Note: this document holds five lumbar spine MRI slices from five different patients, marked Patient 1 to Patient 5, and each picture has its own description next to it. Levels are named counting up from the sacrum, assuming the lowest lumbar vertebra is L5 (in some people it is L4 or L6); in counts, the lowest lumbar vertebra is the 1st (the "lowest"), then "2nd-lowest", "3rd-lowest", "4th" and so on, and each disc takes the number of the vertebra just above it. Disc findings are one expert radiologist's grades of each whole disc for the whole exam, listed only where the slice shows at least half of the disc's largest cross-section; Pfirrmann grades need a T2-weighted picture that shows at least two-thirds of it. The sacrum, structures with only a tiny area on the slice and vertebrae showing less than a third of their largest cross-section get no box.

Patient 1 of 5:
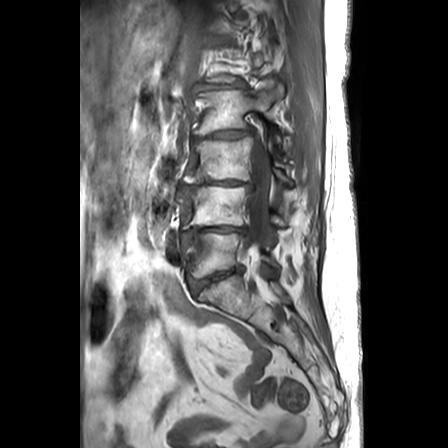

Lumbar spine MR, T1-weighted, sagittal
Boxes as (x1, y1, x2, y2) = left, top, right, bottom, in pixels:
intervertebral disc L4/L5: (183, 226, 247, 242)
spinal canal: (246, 142, 271, 251)
L1/L2: (194, 80, 249, 91)
L5 vertebra: (187, 232, 280, 277)
intervertebral disc L3/L4: (181, 180, 255, 194)
L5/S1: (190, 266, 243, 293)
intervertebral disc L2/L3: (194, 126, 254, 141)
L2 vertebra: (194, 83, 285, 145)
L4 vertebra: (183, 185, 285, 228)
L3 vertebra: (185, 136, 292, 185)

Expert MSK radiologist gradings (per disc):
  L5/S1: disc bulging, lower-endplate change, disc narrowing, upper-endplate change
  L1/L2: disc bulging
  L3/L4: disc bulging, Modic type II, disc narrowing, lower-endplate change, upper-endplate change
  L2/L3: lower-endplate change, disc narrowing, disc bulging, upper-endplate change
  L4/L5: disc narrowing, Modic type II, disc bulging, upper-endplate change, lower-endplate change

Patient 2 of 5:
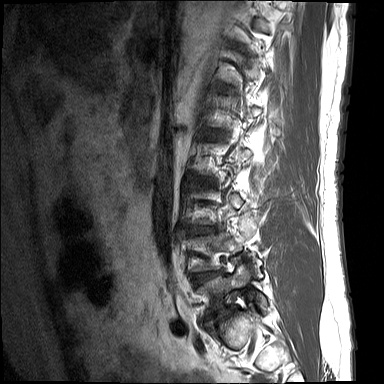 Slice spacing 4.4 mm; T1-weighted sagittal MRI of the lumbar spine
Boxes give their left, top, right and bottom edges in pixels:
3rd-lowest disc = left=197, top=227, right=206, bottom=233.
Lowest vertebra = left=200, top=262, right=267, bottom=311.
2nd-lowest disc = left=194, top=272, right=219, bottom=283.

Patient 3 of 5:
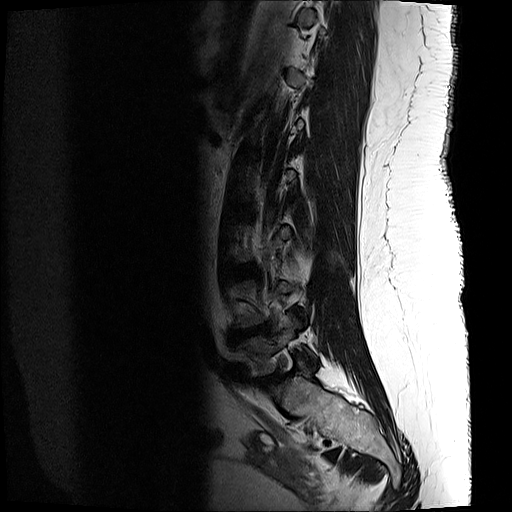 Sagittal slice index 15, Patient sex: F, Sagittal T2-weighted lumbar spine MRI

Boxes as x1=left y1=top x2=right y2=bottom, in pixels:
Annotations:
• 2nd-lowest disc at x1=228 y1=322 x2=271 y2=342
• lowest disc at x1=257 y1=371 x2=281 y2=385
• 3rd-lowest disc at x1=234 y1=264 x2=257 y2=278
• lowest vertebra at x1=233 y1=313 x2=316 y2=376

Per-level radiological findings:
- 2nd-lowest disc: Modic type II, disc narrowing, disc herniation, upper-endplate change, lower-endplate change

Patient 4 of 5:
Slice 62/120; Sex M; Slice spacing 0.9 mm; SIEMENS Avanto_fit (1.5T); MRI lumbar spine (T2 SPACE (3D)), sagittal plane 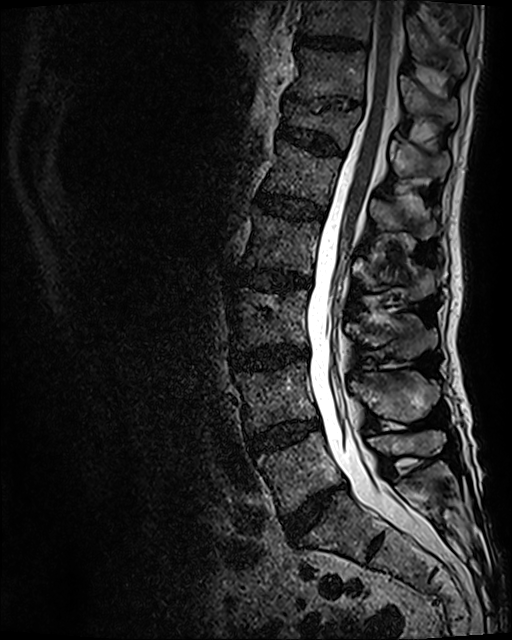 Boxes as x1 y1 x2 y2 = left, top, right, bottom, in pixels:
T12/L1 (6th disc) at 278 124 342 154, L4/L5 (2nd-lowest disc) at 248 421 319 453, T10/T11 (8th disc) at 297 36 359 47, T11 (7th vertebra) at 288 48 457 124, L2 (4th vertebra) at 244 210 435 299, L3/L4 (3rd-lowest disc) at 230 346 307 368, L2/L3 (4th disc) at 233 268 311 291, spinal canal at 307 0 437 554, L4 (2nd-lowest vertebra) at 235 361 439 433, L1 (5th vertebra) at 264 140 438 239, L5 (lowest vertebra) at 257 431 445 513, intervertebral disc T11/T12 (7th disc) at 309 98 354 111, T12 (6th vertebra) at 282 101 450 179, L5/S1 (lowest disc) at 283 487 336 542, intervertebral disc L1/L2 (5th disc) at 256 191 322 217, L3 (3rd-lowest vertebra) at 231 288 437 359, T10 (8th vertebra) at 302 0 466 76.

Per-level radiological findings:
  L1/L2 (5th disc): Pfirrmann grade 3
  L2/L3 (4th disc): Pfirrmann grade 3, Modic type II, disc bulging
  T12/L1 (6th disc): Pfirrmann grade 3, upper-endplate change, lower-endplate change
  T10/T11 (8th disc): Pfirrmann grade 3
  T11/T12 (7th disc): Pfirrmann grade 5, upper-endplate change, disc narrowing, lower-endplate change
  L5/S1 (lowest disc): Pfirrmann grade 4, disc bulging, disc narrowing
  L3/L4 (3rd-lowest disc): Pfirrmann grade 4, Modic type II, disc bulging, disc narrowing
  L4/L5 (2nd-lowest disc): Pfirrmann grade 3, Modic type II, disc bulging

Patient 5 of 5:
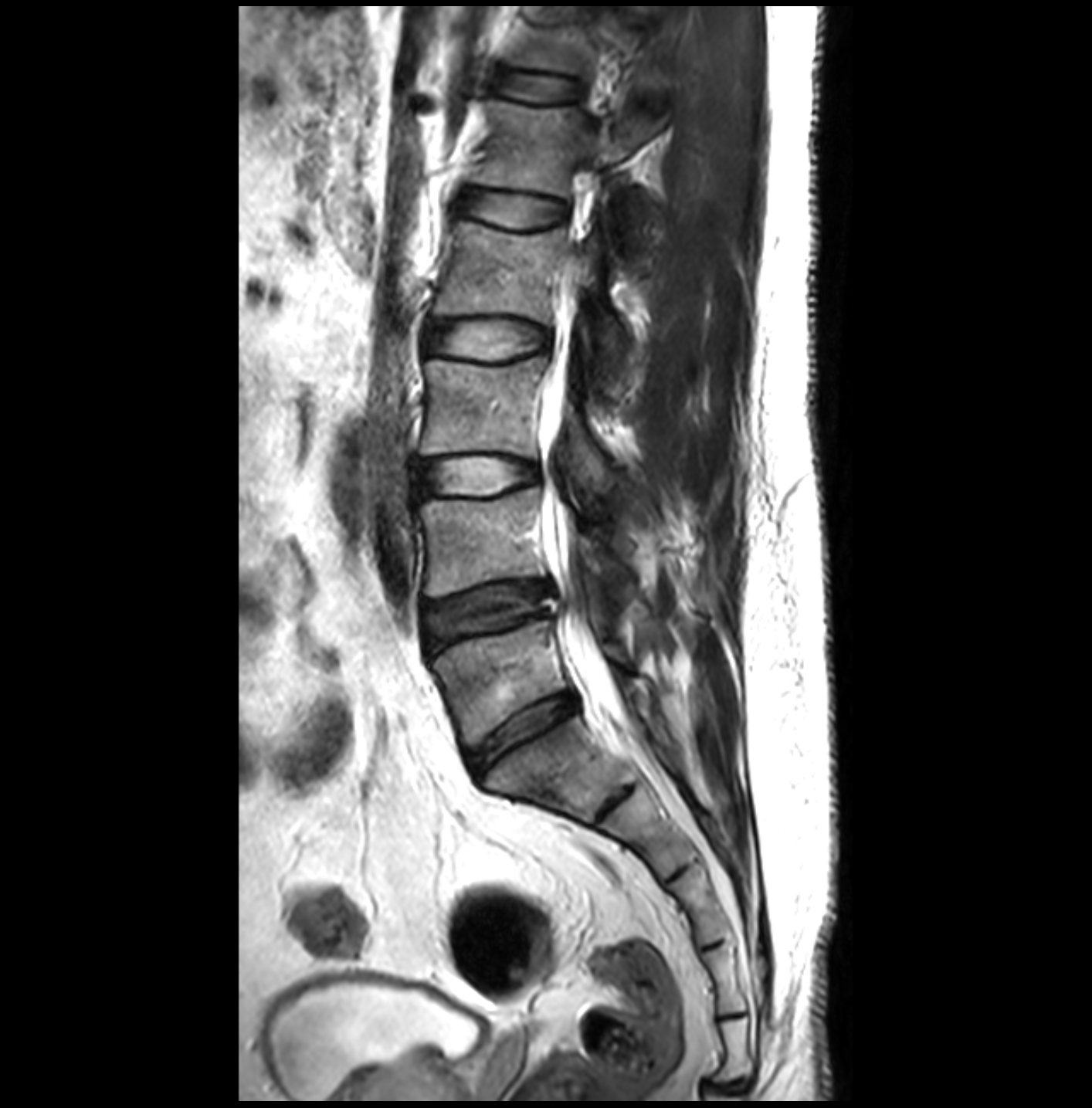
Lumbar spine MR, T2-weighted, sagittal | Sex M | Slice 16/32
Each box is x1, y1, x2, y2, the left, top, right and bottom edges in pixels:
L3/L4 at 416, 459, 538, 496; L4/L5 at 423, 582, 550, 647; disc T12/L1 at 508, 76, 581, 102; L5 at 432, 618, 630, 745; L2 at 433, 222, 630, 398; L1 vertebra at 473, 100, 660, 249; L4 vertebra at 418, 486, 632, 598; thecal sac / spinal canal at 539, 310, 627, 725; L2/L3 at 426, 322, 548, 356; L3 at 419, 357, 609, 491; L5/S1 at 467, 695, 578, 776; L1/L2 at 454, 192, 565, 225.

Expert MSK radiologist gradings (per disc):
  L5/S1: Pfirrmann grade 3
  L1/L2: Pfirrmann grade 1
  L2/L3: Pfirrmann grade 1
  L3/L4: Pfirrmann grade 1
  L4/L5: Pfirrmann grade 3, disc herniation
  T12/L1: no spondylolisthesis, narrowing, bulging, herniation, Modic or endplate change recorded